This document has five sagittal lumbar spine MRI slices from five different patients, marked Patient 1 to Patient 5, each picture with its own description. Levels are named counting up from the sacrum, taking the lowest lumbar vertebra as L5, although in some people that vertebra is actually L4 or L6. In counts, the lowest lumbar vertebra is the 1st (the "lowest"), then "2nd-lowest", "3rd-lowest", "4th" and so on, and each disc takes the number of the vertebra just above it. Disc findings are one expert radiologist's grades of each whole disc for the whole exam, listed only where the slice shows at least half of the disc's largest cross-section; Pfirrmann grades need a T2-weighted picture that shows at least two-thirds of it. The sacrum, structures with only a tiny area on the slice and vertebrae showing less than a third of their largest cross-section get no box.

Patient 1 of 5:
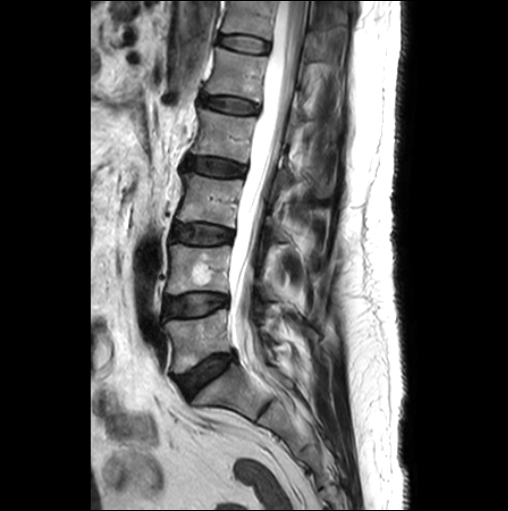 Sagittal slice index 14; 508x511 px; Lumbar spine MR, T2-weighted, sagittal
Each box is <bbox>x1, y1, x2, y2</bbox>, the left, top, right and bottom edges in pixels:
T12/L1 at <bbox>219, 35, 269, 52</bbox>.
Disc L2/L3 at <bbox>185, 157, 244, 176</bbox>.
Disc L3/L4 at <bbox>172, 225, 232, 244</bbox>.
L1/L2 at <bbox>201, 95, 257, 113</bbox>.
Spinal canal at <bbox>229, 1, 306, 361</bbox>.
L3 at <bbox>176, 173, 287, 240</bbox>.
Disc L5/S1 at <bbox>177, 353, 234, 397</bbox>.
Disc L4/L5 at <bbox>163, 294, 227, 317</bbox>.
L5 vertebra at <bbox>165, 309, 279, 373</bbox>.
L4 at <bbox>166, 244, 278, 299</bbox>.
L2 vertebra at <bbox>192, 106, 335, 196</bbox>.
L1 vertebra at <bbox>205, 47, 337, 135</bbox>.
T12 vertebra at <bbox>222, 1, 325, 59</bbox>.

Radiological gradings:
  L4/L5: Pfirrmann grade 2, Modic type II
  L3/L4: Pfirrmann grade 2
  L5/S1: Pfirrmann grade 3, Modic type II, disc bulging
  L2/L3: Pfirrmann grade 3
  T12/L1: Pfirrmann grade 1
  L1/L2: Pfirrmann grade 2

Patient 2 of 5:
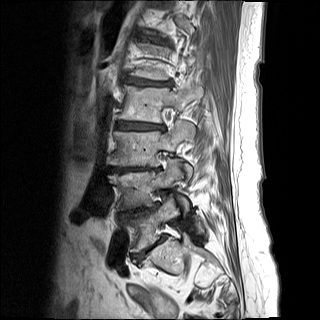 320x320 px; Field of view 260x260 mm, slice spacing 4.8 mm; Sagittal slice index 4; Patient sex: F; MRI lumbar spine (T1-weighted), sagittal plane
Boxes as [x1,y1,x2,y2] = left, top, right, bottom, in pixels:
Structures:
• L3 vertebra: [108,121,192,177]
• L4/L5: [127,205,156,213]
• L5: [128,194,203,251]
• L3/L4: [108,167,157,173]
• L2/L3: [115,121,162,129]
• L4: [108,160,189,211]
• intervertebral disc L5/S1: [134,237,164,260]
• L2 vertebra: [118,84,203,122]
• L1/L2: [126,77,170,86]

Degenerative findings by level:
  L3/L4: upper-endplate change, disc bulging, disc narrowing, lower-endplate change, Modic type II
  L2/L3: upper-endplate change, disc narrowing, lower-endplate change, Modic type II, disc bulging
  L4/L5: lower-endplate change, upper-endplate change, disc bulging, Modic type II, disc narrowing
  L1/L2: lower-endplate change, disc narrowing, Modic type II, disc bulging, upper-endplate change

Patient 3 of 5:
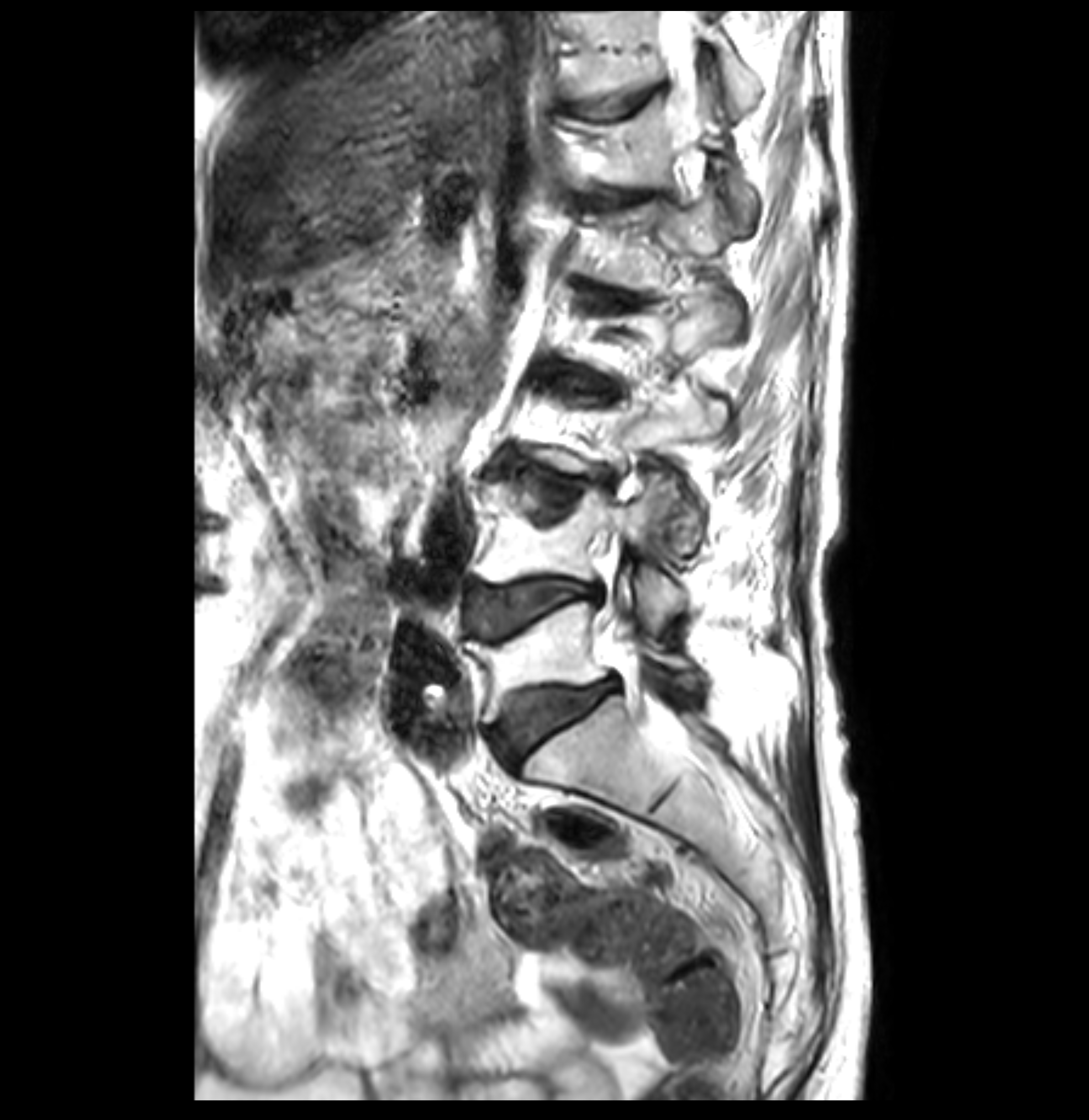 T2-weighted sagittal MRI of the lumbar spine, Image 1089x1120
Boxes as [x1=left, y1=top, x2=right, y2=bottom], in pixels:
Segmented structures:
* 3rd-lowest disc — [x1=508, y1=461, x2=578, y2=517]
* 6th disc — [x1=591, y1=190, x2=639, y2=206]
* 7th vertebra — [x1=571, y1=12, x2=761, y2=116]
* 7th disc — [x1=576, y1=87, x2=661, y2=115]
* lowest disc — [x1=494, y1=679, x2=615, y2=763]
* 6th vertebra — [x1=584, y1=95, x2=756, y2=220]
* 2nd-lowest vertebra — [x1=477, y1=473, x2=685, y2=634]
* 2nd-lowest disc — [x1=469, y1=578, x2=598, y2=634]
* lowest vertebra — [x1=472, y1=599, x2=697, y2=722]

Per-level radiological findings:
- 2nd-lowest disc: Pfirrmann grade 4, lower-endplate change, disc bulging, Modic type II, upper-endplate change
- lowest disc: Pfirrmann grade 4, upper-endplate change, disc bulging, lower-endplate change, Modic type II
- 3rd-lowest disc: disc bulging, disc narrowing, upper-endplate change, lower-endplate change, Modic type II

Patient 4 of 5:
T1-weighted sagittal MRI of the lumbar spine. Slice spacing 3.2 mm. 448x456 px. Scanner: Philips Healthcare Ingenia (3T).

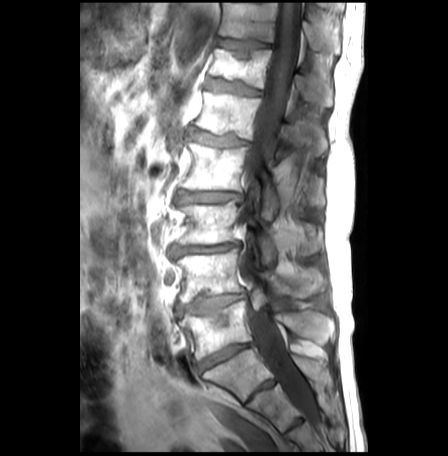
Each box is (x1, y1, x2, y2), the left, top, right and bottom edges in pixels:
5th disc: (189, 132, 248, 147).
6th vertebra: (208, 49, 331, 108).
2nd-lowest disc: (176, 294, 247, 318).
Lowest disc: (198, 343, 252, 372).
3rd-lowest vertebra: (176, 202, 322, 266).
4th disc: (179, 192, 242, 202).
6th disc: (205, 79, 259, 96).
7th vertebra: (218, 3, 339, 55).
Spinal canal: (238, 3, 310, 410).
Lowest vertebra: (180, 301, 334, 360).
5th vertebra: (194, 93, 325, 160).
2nd-lowest vertebra: (175, 249, 324, 303).
4th vertebra: (182, 143, 322, 221).
7th disc: (216, 39, 270, 59).
3rd-lowest disc: (170, 244, 237, 256).

Per-level radiological findings:
- 4th disc: disc bulging, upper-endplate change, lower-endplate change, Modic type II, disc narrowing
- 7th disc: upper-endplate change, lower-endplate change, Modic type II
- 2nd-lowest disc: upper-endplate change, Modic type II, disc bulging, lower-endplate change
- 6th disc: disc bulging, Modic type II, upper-endplate change, lower-endplate change
- 5th disc: upper-endplate change, disc bulging, lower-endplate change, Modic type II
- lowest disc: Modic type II, disc bulging, disc narrowing

Patient 5 of 5:
Lumbar spine MR, T2-weighted, sagittal | Patient sex: M | Slice 6 of 18
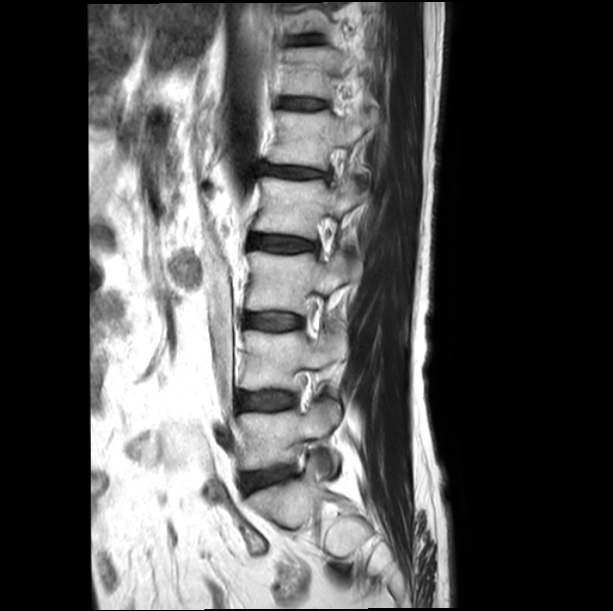
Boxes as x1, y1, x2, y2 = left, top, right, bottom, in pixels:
* 7th disc at 293, 36, 319, 43
* 5th vertebra at 269, 110, 375, 169
* 3rd-lowest disc at 245, 314, 300, 330
* 2nd-lowest vertebra at 241, 330, 346, 424
* 6th vertebra at 283, 47, 374, 97
* 2nd-lowest disc at 240, 392, 293, 409
* 6th disc at 281, 99, 322, 108
* 3rd-lowest vertebra at 247, 251, 362, 314
* 5th disc at 257, 164, 325, 177
* 4th disc at 250, 235, 313, 251
* lowest vertebra at 239, 403, 340, 469
* lowest disc at 243, 467, 292, 490
* 4th vertebra at 255, 177, 367, 238

Radiological gradings:
- 3rd-lowest disc: Pfirrmann grade 1
- 4th disc: Pfirrmann grade 3
- 5th disc: Pfirrmann grade 3, disc narrowing, disc bulging
- 6th disc, 2nd-lowest disc: no herniation, bulging, narrowing, spondylolisthesis, endplate or Modic change recorded